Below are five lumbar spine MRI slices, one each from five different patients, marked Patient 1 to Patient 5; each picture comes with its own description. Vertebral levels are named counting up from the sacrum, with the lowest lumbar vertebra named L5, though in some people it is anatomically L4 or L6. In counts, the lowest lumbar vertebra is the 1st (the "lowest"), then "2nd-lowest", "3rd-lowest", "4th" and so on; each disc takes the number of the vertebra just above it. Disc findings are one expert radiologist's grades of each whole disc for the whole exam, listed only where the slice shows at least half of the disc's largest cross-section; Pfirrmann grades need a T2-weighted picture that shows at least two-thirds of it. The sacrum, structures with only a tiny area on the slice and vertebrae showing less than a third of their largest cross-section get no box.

Patient 1 of 5:
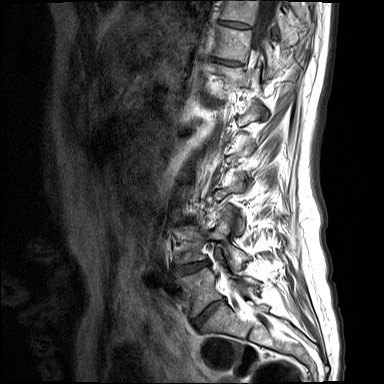

Sagittal T1-weighted lumbar spine MRI
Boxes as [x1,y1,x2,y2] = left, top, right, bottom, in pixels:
spinal canal: [253,0,276,50] | IVD L4/L5: [174,261,209,274] | T11/T12: [215,58,238,65] | L4 vertebra: [176,214,246,269] | T10 vertebra: [221,0,285,27] | IVD L5/S1: [194,299,223,327] | T11: [216,26,279,74] | L5 vertebra: [177,267,257,316] | IVD T10/T11: [219,21,249,28]

Degenerative findings by level:
- T11/T12: lower-endplate change, upper-endplate change
- L4/L5: disc bulging, upper-endplate change, disc narrowing, lower-endplate change
- L5/S1: disc bulging, upper-endplate change, lower-endplate change, disc narrowing
- T10/T11: no Modic or endplate change, herniation, narrowing, bulging or spondylolisthesis recorded

Patient 2 of 5:
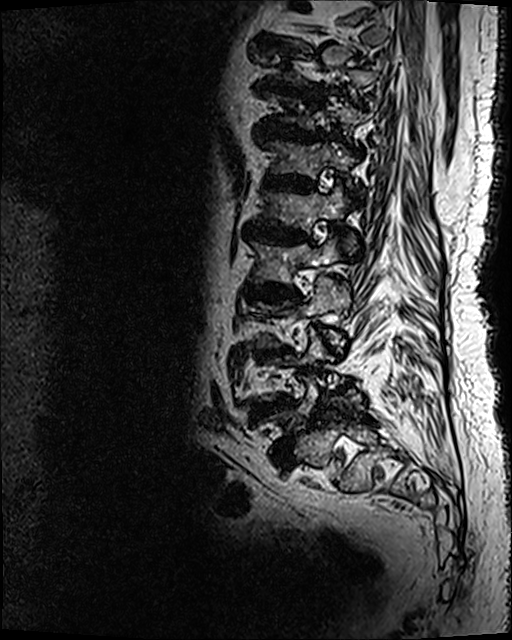

T2 SPACE (3D) sagittal MRI of the lumbar spine; Sex M; Field of view 240x300 mm

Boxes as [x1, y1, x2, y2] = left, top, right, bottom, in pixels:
2nd-lowest disc at [249, 395, 296, 422].
6th vertebra at [261, 141, 356, 183].
8th disc at [257, 77, 324, 100].
4th disc at [242, 282, 300, 301].
7th disc at [257, 120, 327, 143].
6th disc at [262, 174, 317, 193].
3rd-lowest disc at [256, 346, 290, 360].
4th vertebra at [248, 233, 343, 284].
Lowest vertebra at [262, 374, 363, 422].
5th vertebra at [258, 179, 358, 253].
Lowest disc at [272, 437, 293, 464].
3rd-lowest vertebra at [257, 277, 349, 358].
5th disc at [241, 221, 312, 244].

Radiological gradings:
• 6th disc: Pfirrmann grade 5, lower-endplate change, upper-endplate change, disc narrowing, Modic type II, disc bulging
• 5th disc: Pfirrmann grade 5, disc bulging, Modic type II, disc narrowing, lower-endplate change, upper-endplate change
• 7th disc: Pfirrmann grade 5, lower-endplate change, Modic type II, disc bulging, upper-endplate change, disc narrowing
• 4th disc: disc narrowing, disc bulging, lower-endplate change, Modic type II, upper-endplate change
• 8th disc: Pfirrmann grade 5, lower-endplate change, disc bulging, upper-endplate change, Modic type II, disc narrowing

Patient 3 of 5:
T2-weighted sagittal MRI of the lumbar spine.
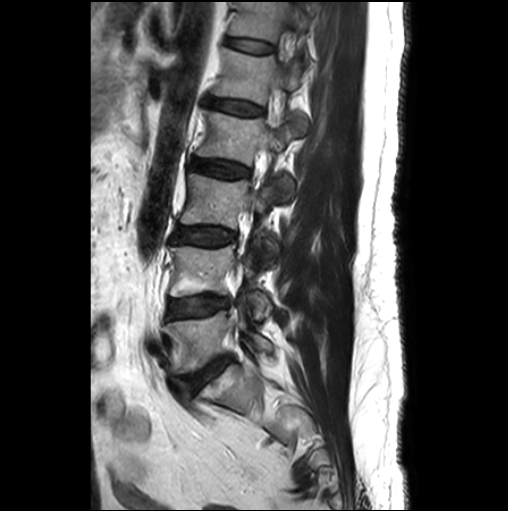 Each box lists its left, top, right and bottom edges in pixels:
Structures:
* 6th vertebra: left=229, top=2, right=309, bottom=59
* 5th disc: left=209, top=99, right=263, bottom=115
* lowest vertebra: left=167, top=308, right=272, bottom=373
* 5th vertebra: left=212, top=48, right=305, bottom=127
* 6th disc: left=226, top=37, right=274, bottom=52
* 4th vertebra: left=197, top=110, right=295, bottom=201
* 3rd-lowest vertebra: left=180, top=173, right=276, bottom=248
* 3rd-lowest disc: left=172, top=227, right=235, bottom=245
* lowest disc: left=185, top=356, right=230, bottom=392
* 2nd-lowest disc: left=168, top=295, right=228, bottom=317
* 4th disc: left=189, top=158, right=249, bottom=177
* 2nd-lowest vertebra: left=170, top=245, right=271, bottom=319

Degenerative findings by level:
- 5th disc: Pfirrmann grade 2
- lowest disc: Modic type II, disc bulging
- 4th disc: Pfirrmann grade 3
- 3rd-lowest disc: Pfirrmann grade 2
- 6th disc: Pfirrmann grade 1
- 2nd-lowest disc: Pfirrmann grade 2, Modic type II

Patient 4 of 5:
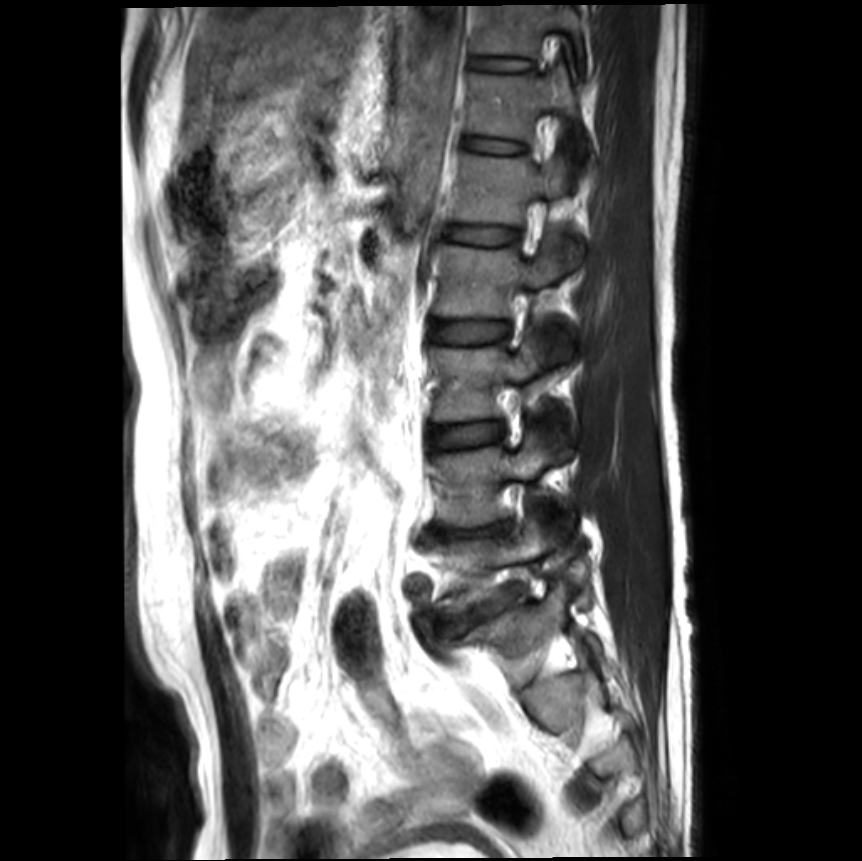 Slice 15 of 20; MRI lumbar spine (T2-weighted), sagittal plane
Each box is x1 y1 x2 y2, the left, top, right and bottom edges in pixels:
- 7th vertebra: 472 4 584 60
- 2nd-lowest vertebra: 437 430 567 526
- 4th disc: 428 320 508 342
- 6th vertebra: 469 64 575 137
- 3rd-lowest disc: 428 420 503 448
- 5th vertebra: 454 152 582 265
- 4th vertebra: 433 234 572 360
- 6th disc: 465 137 525 152
- 5th disc: 448 226 518 245
- 2nd-lowest disc: 423 519 513 543
- lowest vertebra: 435 515 555 613
- 7th disc: 474 57 533 70
- lowest disc: 438 587 521 635
- 3rd-lowest vertebra: 428 333 543 421

Expert MSK radiologist gradings (per disc):
  4th disc: Pfirrmann grade 1
  7th disc: Pfirrmann grade 1
  5th disc: Pfirrmann grade 1
  2nd-lowest disc: disc narrowing, lower-endplate change, Modic type II, disc bulging, upper-endplate change
  6th disc: Pfirrmann grade 1
  3rd-lowest disc: Pfirrmann grade 1

Patient 5 of 5:
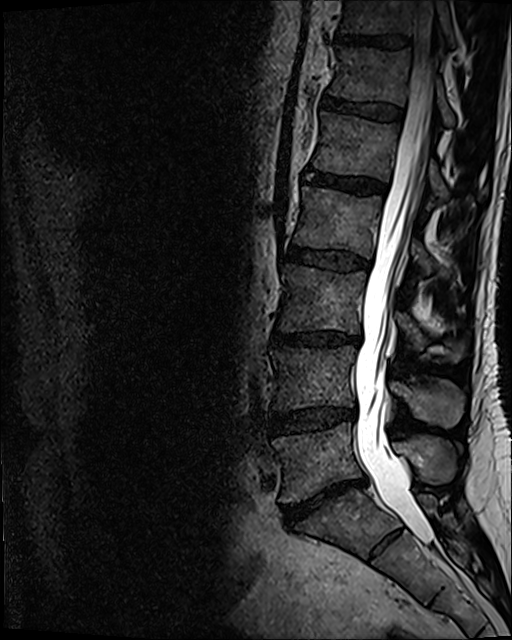
Sagittal slice index 68 | Lumbar spine MR, T2 SPACE (3D), sagittal | Patient sex: M

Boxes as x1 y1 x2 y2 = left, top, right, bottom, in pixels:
Lowest disc = 282 478 366 522.
5th disc = 304 169 385 193.
5th vertebra = 312 111 487 200.
7th disc = 334 33 408 49.
7th vertebra = 340 0 455 50.
Lowest vertebra = 272 423 456 502.
6th disc = 322 96 402 119.
4th disc = 289 248 369 270.
3rd-lowest vertebra = 279 264 468 363.
Thecal sac / spinal canal = 355 1 437 545.
2nd-lowest vertebra = 271 346 464 426.
4th vertebra = 293 186 436 272.
2nd-lowest disc = 270 408 355 432.
6th vertebra = 329 46 455 125.
3rd-lowest disc = 273 331 361 346.

Degenerative findings by level:
  5th disc: Pfirrmann grade 4
  2nd-lowest disc: Pfirrmann grade 3, disc bulging, disc narrowing
  4th disc: Pfirrmann grade 3, disc bulging
  3rd-lowest disc: Pfirrmann grade 4, disc narrowing, disc bulging, lower-endplate change
  lowest disc: Pfirrmann grade 5, disc bulging, Modic type II, disc narrowing
  6th disc: Pfirrmann grade 3
  7th disc: Pfirrmann grade 4